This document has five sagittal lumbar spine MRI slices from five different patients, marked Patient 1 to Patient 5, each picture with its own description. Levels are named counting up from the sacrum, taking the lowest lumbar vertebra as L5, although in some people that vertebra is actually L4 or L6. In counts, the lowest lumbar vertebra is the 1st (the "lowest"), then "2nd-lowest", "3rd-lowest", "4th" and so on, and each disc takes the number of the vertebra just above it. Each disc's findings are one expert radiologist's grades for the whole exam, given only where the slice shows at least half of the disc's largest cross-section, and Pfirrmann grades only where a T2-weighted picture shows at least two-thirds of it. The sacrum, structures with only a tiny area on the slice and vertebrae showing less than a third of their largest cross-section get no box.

Patient 1 of 5:
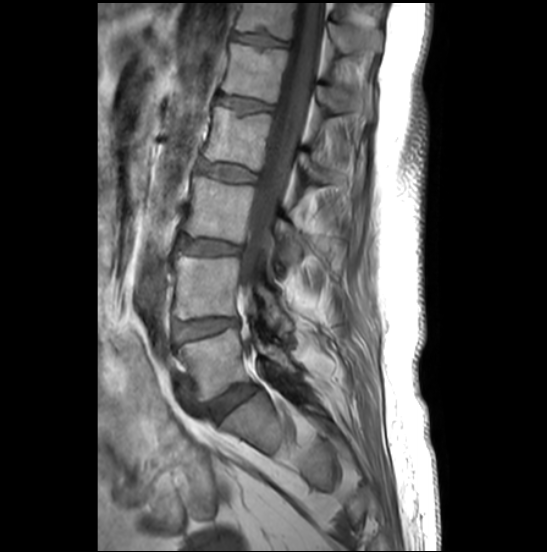

547x552 px | Slice 17/27 | Lumbar spine MR, T1-weighted, sagittal
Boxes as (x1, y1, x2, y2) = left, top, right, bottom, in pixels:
Segmented structures:
- 2nd-lowest disc at (173, 318, 237, 341)
- 2nd-lowest vertebra at (173, 253, 291, 335)
- 6th disc at (232, 33, 286, 46)
- spinal canal at (239, 3, 323, 294)
- 4th vertebra at (203, 107, 337, 185)
- lowest vertebra at (178, 329, 298, 400)
- lowest disc at (206, 384, 257, 419)
- 5th disc at (217, 95, 273, 114)
- 5th vertebra at (222, 44, 373, 122)
- 6th vertebra at (236, 3, 381, 58)
- 3rd-lowest vertebra at (181, 176, 307, 271)
- 3rd-lowest disc at (180, 238, 240, 253)
- 4th disc at (199, 164, 256, 182)

Expert MSK radiologist gradings (per disc):
  6th disc: lower-endplate change, upper-endplate change
  2nd-lowest disc: disc bulging
  5th disc: upper-endplate change
  3rd-lowest disc: disc bulging
  lowest disc: disc bulging
  4th disc: no spondylolisthesis, narrowing, bulging, herniation, Modic or endplate change recorded

Patient 2 of 5:
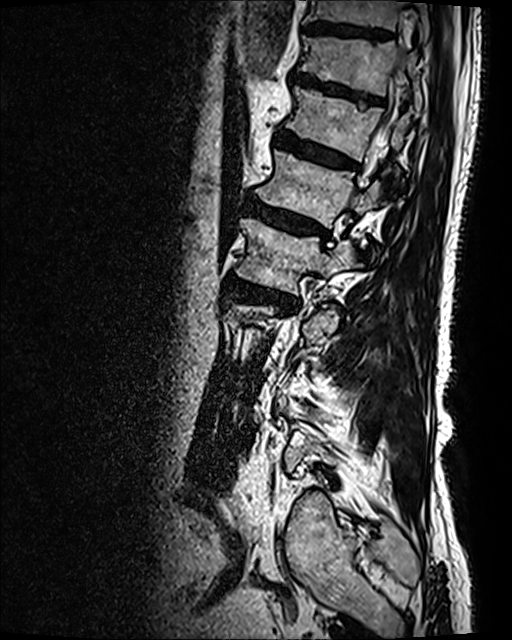 Lumbar spine MR, T2 SPACE (3D), sagittal.
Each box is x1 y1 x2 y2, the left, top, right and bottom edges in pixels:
IVD T12/L1 (6th disc): 274 128 359 171 | IVD L2/L3 (4th disc): 226 275 297 310 | thecal sac / spinal canal: 369 70 404 167 | T11 (7th vertebra): 300 37 422 111 | L2 (4th vertebra): 235 218 357 294 | IVD T10/T11 (8th disc): 305 22 391 40 | IVD L1/L2 (5th disc): 246 199 329 237 | T12 (6th vertebra): 286 87 408 173 | T10 (8th vertebra): 305 0 429 45 | T11/T12 (7th disc): 291 69 384 103 | L1 (5th vertebra): 256 151 379 227

Expert MSK radiologist gradings (per disc):
• L2/L3 (4th disc): Pfirrmann grade 4, disc narrowing, lower-endplate change, disc bulging, upper-endplate change, Modic type I
• T12/L1 (6th disc): Pfirrmann grade 4, disc bulging, lower-endplate change, Modic type II, upper-endplate change
• T11/T12 (7th disc): Pfirrmann grade 4, lower-endplate change, upper-endplate change, disc bulging
• T10/T11 (8th disc): Pfirrmann grade 3
• L1/L2 (5th disc): Pfirrmann grade 4, lower-endplate change, disc bulging, upper-endplate change, Modic type II

Patient 3 of 5:
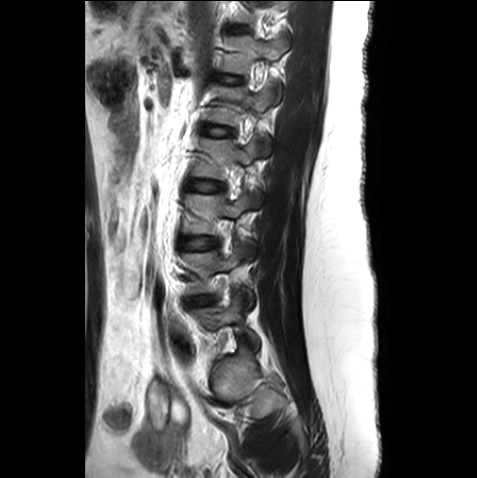
T2-weighted sagittal MRI of the lumbar spine, Patient sex: F

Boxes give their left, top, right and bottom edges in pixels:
Segmented structures:
- IVD L1/L2 (5th disc): left=203, top=125, right=232, bottom=135
- IVD L2/L3 (4th disc): left=189, top=180, right=222, bottom=191
- L3 (3rd-lowest vertebra): left=183, top=193, right=256, bottom=258
- IVD T11/T12 (7th disc): left=231, top=26, right=247, bottom=32
- L5 (lowest vertebra): left=194, top=294, right=259, bottom=347
- L2 (4th vertebra): left=193, top=138, right=264, bottom=206
- IVD L4/L5 (2nd-lowest disc): left=186, top=296, right=213, bottom=305
- L1 (5th vertebra): left=207, top=86, right=272, bottom=156
- T12/L1 (6th disc): left=217, top=75, right=242, bottom=83
- T12 (6th vertebra): left=220, top=35, right=287, bottom=103
- L3/L4 (3rd-lowest disc): left=181, top=237, right=217, bottom=249
- L4 (2nd-lowest vertebra): left=183, top=243, right=253, bottom=309

Per-level radiological findings:
- L3/L4 (3rd-lowest disc): Pfirrmann grade 1
- L1/L2 (5th disc), L2/L3 (4th disc), T12/L1 (6th disc): no spondylolisthesis, narrowing, bulging, herniation, Modic or endplate change recorded

Patient 4 of 5:
Slice 12/28; Philips Healthcare Ingenia (3T); T2-weighted sagittal MRI of the lumbar spine 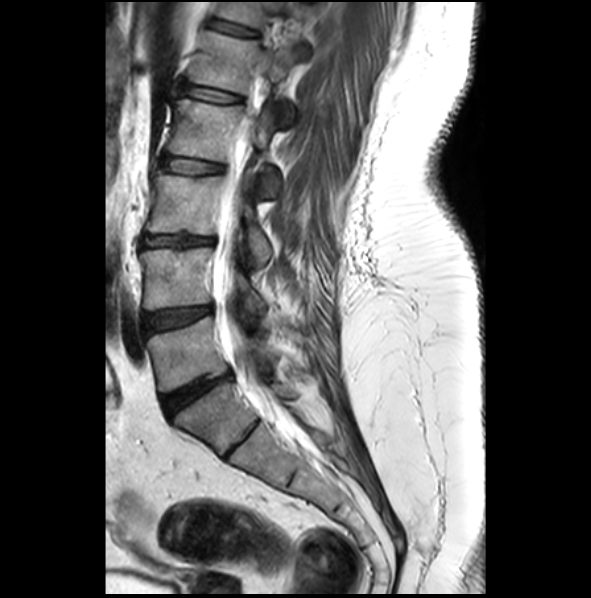
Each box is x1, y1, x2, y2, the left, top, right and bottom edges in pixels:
Structures:
• L1 (5th vertebra) = 191, 31, 295, 126
• L3/L4 (3rd-lowest disc) = 141, 234, 213, 245
• L3 (3rd-lowest vertebra) = 146, 172, 271, 264
• IVD L2/L3 (4th disc) = 162, 156, 222, 173
• L4 (2nd-lowest vertebra) = 139, 247, 266, 312
• IVD L5/S1 (lowest disc) = 164, 369, 234, 416
• L4/L5 (2nd-lowest disc) = 143, 306, 214, 333
• thecal sac / spinal canal = 212, 119, 293, 430
• L5 (lowest vertebra) = 148, 316, 274, 391
• T12 (6th vertebra) = 218, 2, 309, 58
• L2 (4th vertebra) = 169, 99, 279, 199
• IVD T12/L1 (6th disc) = 210, 20, 254, 36
• IVD L1/L2 (5th disc) = 183, 85, 239, 102

Per-level radiological findings:
  T12/L1 (6th disc): Pfirrmann grade 2
  L4/L5 (2nd-lowest disc): Pfirrmann grade 3, disc bulging
  L2/L3 (4th disc): Pfirrmann grade 2
  L1/L2 (5th disc): Pfirrmann grade 2
  L5/S1 (lowest disc): Pfirrmann grade 4, lower-endplate change, disc bulging, upper-endplate change
  L3/L4 (3rd-lowest disc): Pfirrmann grade 3, disc narrowing, Modic type II, disc bulging, lower-endplate change, upper-endplate change

Patient 5 of 5:
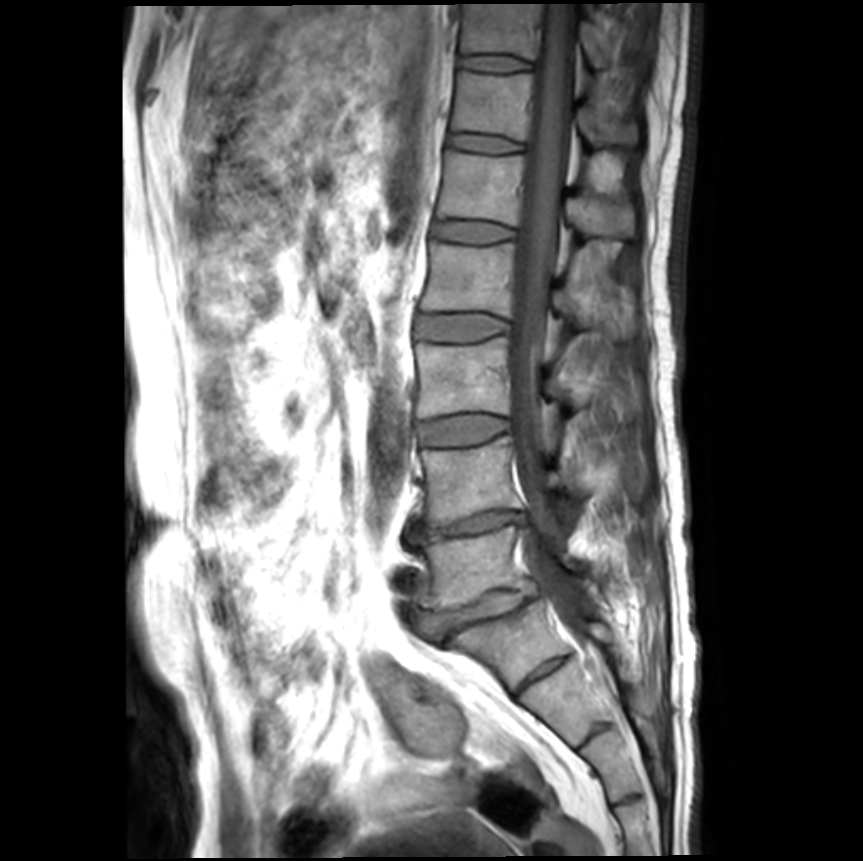
Sagittal T1-weighted lumbar spine MRI. Field of view 310x309 mm.
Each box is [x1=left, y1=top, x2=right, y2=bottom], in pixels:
L4 = [x1=417, y1=435, x2=599, y2=524].
Disc T11/T12 = [x1=460, y1=55, x2=533, y2=70].
T12 = [x1=452, y1=70, x2=637, y2=145].
Thecal sac / spinal canal = [x1=511, y1=2, x2=582, y2=636].
L2 = [x1=420, y1=240, x2=637, y2=337].
L1 vertebra = [x1=437, y1=149, x2=636, y2=237].
Disc L3/L4 = [x1=415, y1=415, x2=510, y2=444].
T11 = [x1=460, y1=4, x2=605, y2=66].
Disc L5/S1 = [x1=412, y1=590, x2=531, y2=638].
Disc L4/L5 = [x1=406, y1=510, x2=525, y2=544].
L3 = [x1=415, y1=336, x2=641, y2=417].
L2/L3 = [x1=415, y1=313, x2=508, y2=340].
L1/L2 = [x1=432, y1=221, x2=516, y2=242].
L5 = [x1=415, y1=525, x2=577, y2=610].
Disc T12/L1 = [x1=448, y1=132, x2=525, y2=152].

Degenerative findings by level:
- L4/L5: disc narrowing, lower-endplate change, disc bulging, Modic type II, upper-endplate change
- L5/S1: upper-endplate change, disc bulging, disc narrowing, lower-endplate change, spondylolisthesis
- L1/L2, L2/L3, L3/L4, T11/T12, T12/L1: no Modic or endplate change, herniation, narrowing, bulging or spondylolisthesis recorded